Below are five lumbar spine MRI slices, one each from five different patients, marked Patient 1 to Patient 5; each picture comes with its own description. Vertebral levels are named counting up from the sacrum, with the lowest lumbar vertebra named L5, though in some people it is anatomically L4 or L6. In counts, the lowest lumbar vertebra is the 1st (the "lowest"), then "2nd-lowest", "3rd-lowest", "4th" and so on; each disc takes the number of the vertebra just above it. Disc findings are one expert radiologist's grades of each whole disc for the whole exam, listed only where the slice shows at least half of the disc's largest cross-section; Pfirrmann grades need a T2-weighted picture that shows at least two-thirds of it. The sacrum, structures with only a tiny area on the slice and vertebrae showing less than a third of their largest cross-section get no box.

Patient 1 of 5:
Field of view 300x300 mm, slice spacing 3.3 mm, MRI lumbar spine (T1-weighted), sagittal plane, Scanner: SIEMENS Avanto_fit (1.5T)

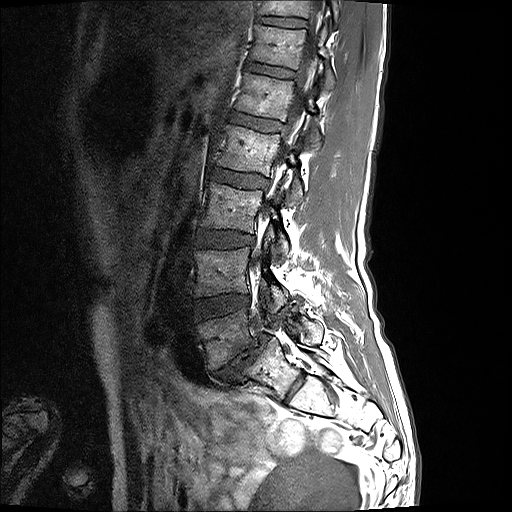 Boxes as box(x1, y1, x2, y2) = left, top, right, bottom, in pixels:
T11/T12 = box(258, 16, 305, 27).
L5 = box(197, 308, 323, 369).
L1 = box(236, 73, 320, 146).
L2 = box(218, 125, 302, 205).
L5/S1 = box(212, 334, 268, 382).
Disc L1/L2 = box(230, 112, 280, 131).
Spinal canal = box(251, 0, 325, 274).
L3 = box(201, 182, 288, 257).
L3/L4 = box(196, 229, 252, 248).
T12 vertebra = box(250, 23, 335, 90).
T12/L1 = box(245, 62, 294, 78).
T11 vertebra = box(259, 0, 338, 27).
Disc L4/L5 = box(192, 294, 248, 319).
L4 = box(195, 242, 287, 312).
Disc L2/L3 = box(210, 167, 267, 188).

Degenerative findings by level:
- L5/S1: spondylolisthesis, Modic type II, disc narrowing, disc bulging
- T11/T12, L2/L3, L4/L5, T12/L1, L3/L4, L1/L2: no herniation, bulging, narrowing, spondylolisthesis, endplate or Modic change recorded

Patient 2 of 5:
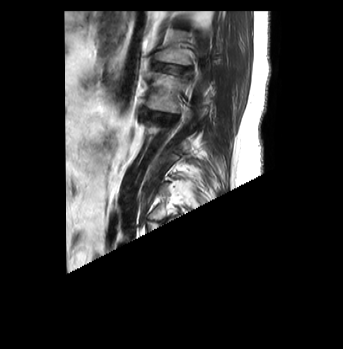
Field of view 285x291 mm, slice spacing 3.2 mm. 343x349 px. Slice 10/43. MRI lumbar spine (T2-weighted), sagittal plane.

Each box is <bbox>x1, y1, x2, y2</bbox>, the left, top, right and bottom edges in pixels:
L1/L2 (5th disc) at <bbox>152, 62, 186, 75</bbox>, disc L2/L3 (4th disc) at <bbox>142, 110, 177, 122</bbox>, L2 (4th vertebra) at <bbox>146, 71, 184, 112</bbox>, L1 (5th vertebra) at <bbox>156, 30, 190, 64</bbox>.

Expert MSK radiologist gradings (per disc):
- L2/L3 (4th disc): Pfirrmann grade 4, lower-endplate change, Modic type II, disc bulging, disc narrowing
- L1/L2 (5th disc): Pfirrmann grade 3, upper-endplate change

Patient 3 of 5:
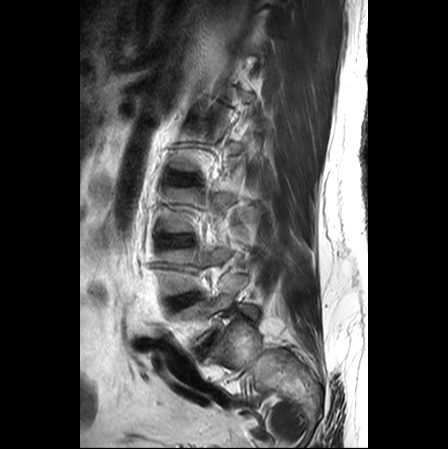 Sex M. Sagittal T2-weighted lumbar spine MRI.
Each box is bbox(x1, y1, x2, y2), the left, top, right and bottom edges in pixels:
L2/L3 (4th disc): bbox(170, 174, 194, 185).
L3 (3rd-lowest vertebra): bbox(158, 187, 232, 231).
L5 (lowest vertebra): bbox(173, 275, 258, 347).
L4/L5 (2nd-lowest disc): bbox(167, 293, 200, 309).
IVD L5/S1 (lowest disc): bbox(198, 340, 212, 356).
L4 (2nd-lowest vertebra): bbox(160, 243, 233, 295).
IVD L3/L4 (3rd-lowest disc): bbox(160, 235, 192, 245).

Per-level radiological findings:
- L3/L4 (3rd-lowest disc): no herniation, bulging, narrowing, spondylolisthesis, endplate or Modic change recorded

Patient 4 of 5:
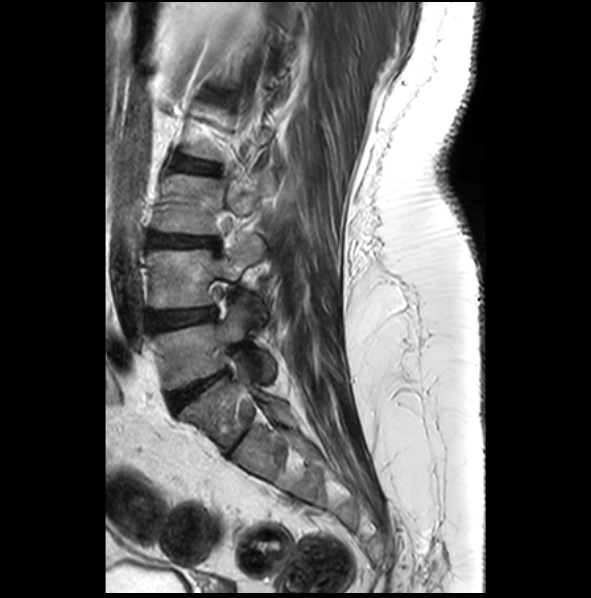

Sagittal T2-weighted lumbar spine MRI, Sagittal slice index 8

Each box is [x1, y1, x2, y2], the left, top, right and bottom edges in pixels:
Annotations:
- 4th disc at [174, 158, 215, 173]
- lowest disc at [170, 369, 227, 410]
- lowest vertebra at [156, 301, 276, 389]
- 3rd-lowest disc at [149, 233, 218, 248]
- 2nd-lowest disc at [150, 308, 217, 330]
- 3rd-lowest vertebra at [157, 173, 272, 235]
- 2nd-lowest vertebra at [148, 236, 267, 327]

Per-level radiological findings:
- lowest disc: disc bulging, upper-endplate change, lower-endplate change
- 3rd-lowest disc: Pfirrmann grade 3, disc bulging, Modic type II, upper-endplate change, disc narrowing, lower-endplate change
- 2nd-lowest disc: Pfirrmann grade 3, disc bulging
- 4th disc: no Modic or endplate change, herniation, narrowing, bulging or spondylolisthesis recorded

Patient 5 of 5:
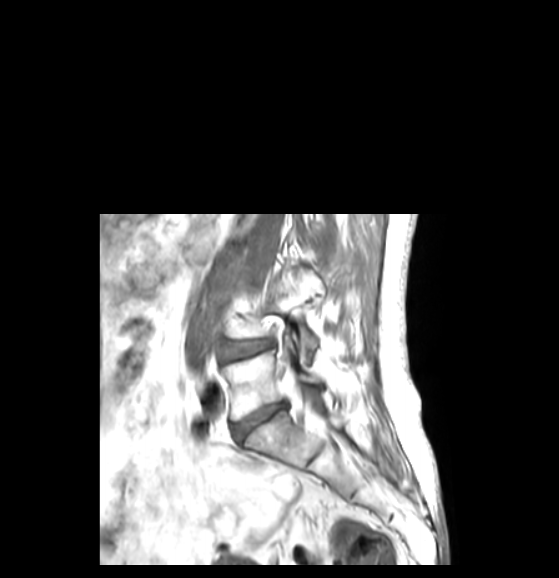 559x578 px, Lumbar spine MR, T1-weighted, sagittal
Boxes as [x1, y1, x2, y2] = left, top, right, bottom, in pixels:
* 2nd-lowest vertebra — [232, 272, 317, 350]
* lowest disc — [233, 403, 285, 436]
* lowest vertebra — [223, 351, 321, 420]
* spinal canal — [301, 402, 324, 429]
* 2nd-lowest disc — [225, 341, 270, 359]

Expert MSK radiologist gradings (per disc):
  2nd-lowest disc: disc bulging
  lowest disc: disc narrowing, disc bulging